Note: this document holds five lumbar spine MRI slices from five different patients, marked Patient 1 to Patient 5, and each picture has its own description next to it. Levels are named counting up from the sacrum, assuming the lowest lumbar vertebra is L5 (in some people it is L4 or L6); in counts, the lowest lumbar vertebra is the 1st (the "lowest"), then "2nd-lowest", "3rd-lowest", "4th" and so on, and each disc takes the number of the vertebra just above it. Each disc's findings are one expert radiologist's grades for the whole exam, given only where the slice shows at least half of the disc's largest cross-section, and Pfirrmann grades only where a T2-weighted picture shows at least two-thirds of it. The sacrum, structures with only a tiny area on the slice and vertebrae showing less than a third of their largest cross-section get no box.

Patient 1 of 5:
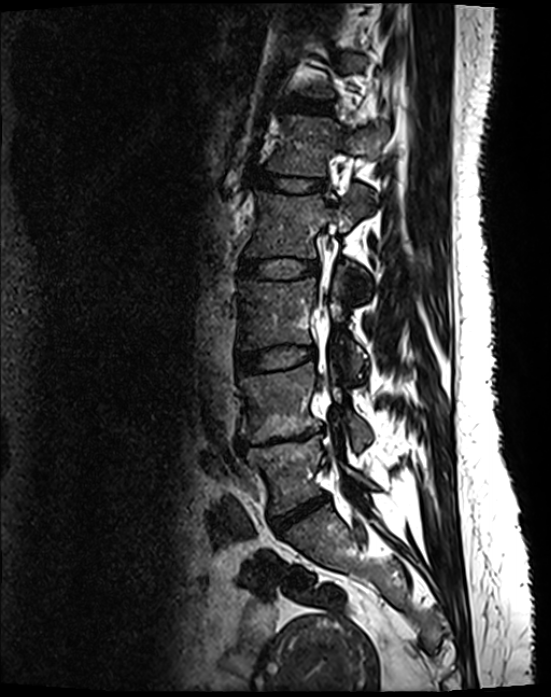 T2 SPACE (3D) sagittal MRI of the lumbar spine; Patient sex: F
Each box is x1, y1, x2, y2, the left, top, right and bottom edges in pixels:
5th vertebra: 268, 116, 384, 175.
Lowest vertebra: 247, 435, 371, 514.
Lowest disc: 270, 496, 328, 530.
2nd-lowest vertebra: 239, 363, 369, 450.
4th disc: 239, 259, 317, 278.
Thecal sac / spinal canal: 320, 227, 334, 319.
2nd-lowest disc: 238, 431, 320, 449.
6th disc: 288, 101, 314, 110.
4th vertebra: 245, 185, 369, 287.
3rd-lowest disc: 236, 346, 314, 371.
3rd-lowest vertebra: 239, 276, 363, 375.
5th disc: 255, 174, 322, 190.

Radiological gradings:
  4th disc: Pfirrmann grade 2
  5th disc: Pfirrmann grade 2
  3rd-lowest disc: Pfirrmann grade 2

Patient 2 of 5:
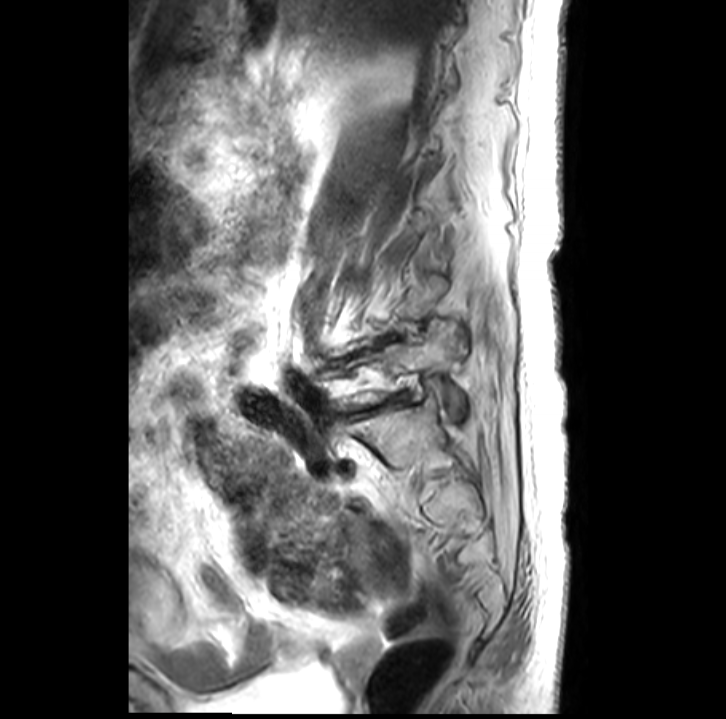 Sagittal T2-weighted lumbar spine MRI | Patient sex: F | Sagittal slice index 8 | Field of view 285x282 mm | 726x719 px

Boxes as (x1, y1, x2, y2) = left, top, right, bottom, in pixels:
Segmented structures:
• L5 vertebra — (345, 323, 464, 417)
• IVD L4/L5 — (352, 333, 398, 355)

Patient 3 of 5:
Slice 3/15; Lumbar spine MR, T2-weighted, sagittal
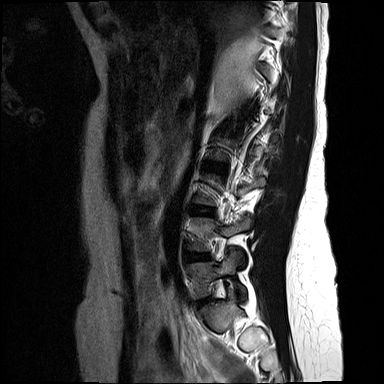

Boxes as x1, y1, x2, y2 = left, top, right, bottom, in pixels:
L4/L5 = 188, 253, 208, 260.
IVD L3/L4 = 196, 207, 213, 215.
L5 vertebra = 192, 250, 246, 297.

Patient 4 of 5:
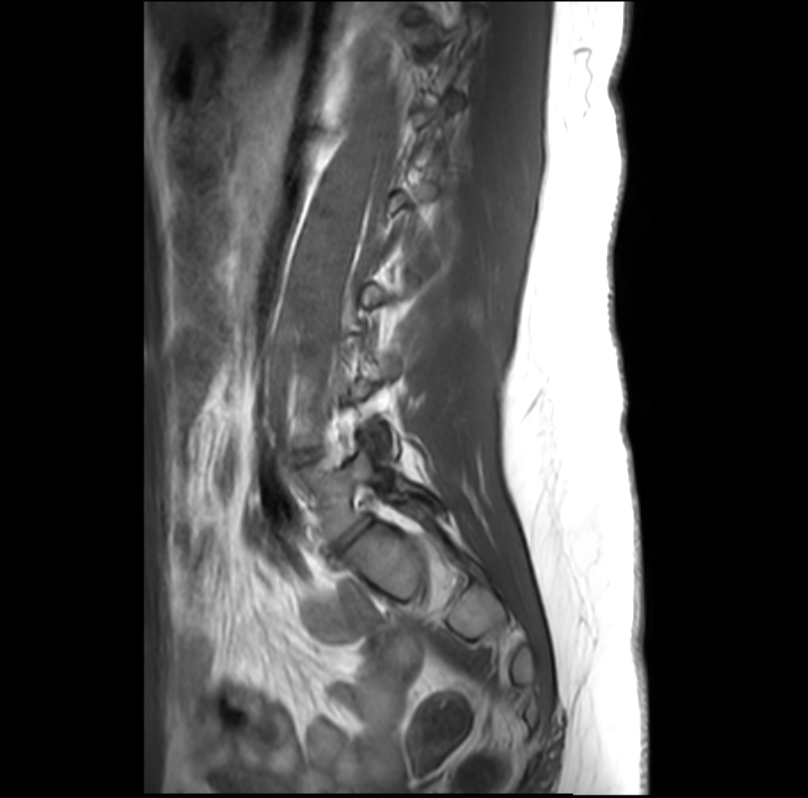 MRI lumbar spine (T1-weighted), sagittal plane | 808x798 px | Patient sex: F
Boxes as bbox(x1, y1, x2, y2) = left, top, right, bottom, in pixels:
L5/S1 (lowest disc): bbox(336, 522, 367, 549).
L5 (lowest vertebra): bbox(290, 449, 445, 539).

Patient 5 of 5:
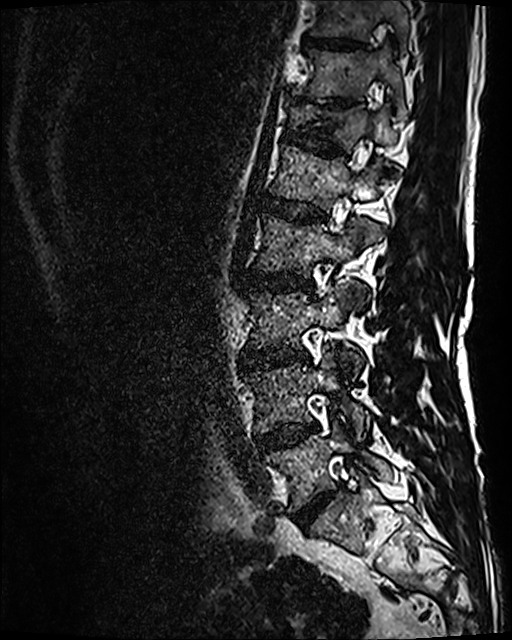 Lumbar spine MR, T2 SPACE (3D), sagittal

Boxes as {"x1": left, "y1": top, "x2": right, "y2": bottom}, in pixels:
L1 at {"x1": 270, "y1": 146, "x2": 377, "y2": 211}, L1/L2 at {"x1": 262, "y1": 196, "x2": 325, "y2": 221}, L4/L5 at {"x1": 256, "y1": 423, "x2": 317, "y2": 453}, T11/T12 at {"x1": 326, "y1": 99, "x2": 353, "y2": 105}, disc L3/L4 at {"x1": 241, "y1": 347, "x2": 308, "y2": 368}, T12 vertebra at {"x1": 291, "y1": 104, "x2": 396, "y2": 151}, L2 vertebra at {"x1": 255, "y1": 216, "x2": 382, "y2": 277}, L4 vertebra at {"x1": 246, "y1": 351, "x2": 368, "y2": 439}, T10 vertebra at {"x1": 312, "y1": 0, "x2": 408, "y2": 48}, T12/L1 at {"x1": 284, "y1": 127, "x2": 345, "y2": 155}, L2/L3 at {"x1": 245, "y1": 270, "x2": 312, "y2": 291}, T11 vertebra at {"x1": 295, "y1": 48, "x2": 407, "y2": 116}, disc T10/T11 at {"x1": 304, "y1": 37, "x2": 361, "y2": 48}, L5/S1 at {"x1": 293, "y1": 489, "x2": 337, "y2": 530}, L5 at {"x1": 266, "y1": 422, "x2": 390, "y2": 511}, L3 at {"x1": 250, "y1": 283, "x2": 364, "y2": 376}.

Expert MSK radiologist gradings (per disc):
- T10/T11: Pfirrmann grade 3
- L5/S1: disc narrowing, disc bulging
- T12/L1: Pfirrmann grade 3, upper-endplate change, lower-endplate change
- L1/L2: Pfirrmann grade 3
- L2/L3: Pfirrmann grade 3, Modic type II, disc bulging
- L3/L4: Pfirrmann grade 4, disc bulging, Modic type II, disc narrowing
- L4/L5: Pfirrmann grade 3, disc bulging, Modic type II